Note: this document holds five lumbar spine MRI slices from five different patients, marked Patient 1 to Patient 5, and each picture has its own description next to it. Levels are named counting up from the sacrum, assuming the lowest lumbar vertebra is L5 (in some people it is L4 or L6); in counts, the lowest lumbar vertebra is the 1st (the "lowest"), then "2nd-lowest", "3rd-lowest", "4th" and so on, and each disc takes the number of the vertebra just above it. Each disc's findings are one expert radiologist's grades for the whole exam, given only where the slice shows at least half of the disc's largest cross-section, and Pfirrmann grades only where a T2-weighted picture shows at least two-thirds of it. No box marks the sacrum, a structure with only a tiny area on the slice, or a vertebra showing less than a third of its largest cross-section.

Patient 1 of 5:
MRI lumbar spine (T2 SPACE (3D)), sagittal plane, Slice 57 of 120
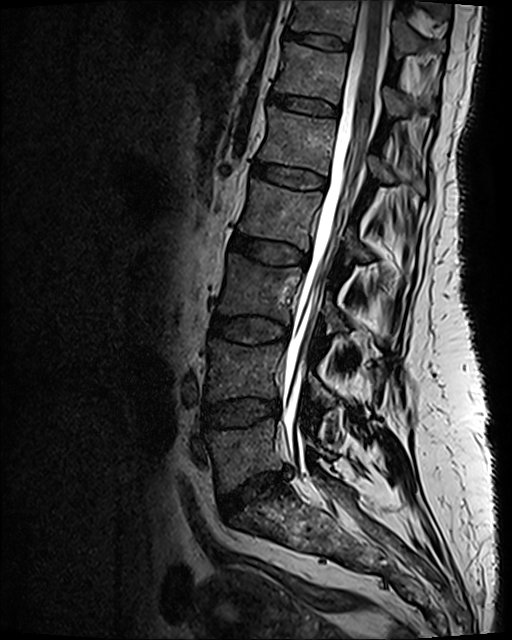

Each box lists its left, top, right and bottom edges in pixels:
intervertebral disc L1/L2: left=253, top=161, right=326, bottom=188 | T11/T12: left=282, top=29, right=348, bottom=51 | L4: left=207, top=340, right=333, bottom=405 | intervertebral disc L4/L5: left=203, top=399, right=280, bottom=427 | T12/L1: left=270, top=93, right=338, bottom=115 | spinal canal: left=282, top=0, right=386, bottom=496 | L5: left=207, top=420, right=331, bottom=491 | L3/L4: left=211, top=316, right=288, bottom=343 | intervertebral disc L5/S1: left=220, top=470, right=287, bottom=517 | L3: left=219, top=254, right=346, bottom=333 | L1: left=258, top=107, right=426, bottom=194 | T12: left=275, top=43, right=405, bottom=114 | L2/L3: left=231, top=234, right=308, bottom=265 | L2: left=240, top=180, right=370, bottom=262 | T11 vertebra: left=291, top=0, right=444, bottom=58

Degenerative findings by level:
- L5/S1: Pfirrmann grade 3, disc herniation, upper-endplate change, lower-endplate change, disc narrowing
- L1/L2: Pfirrmann grade 2
- L2/L3: Pfirrmann grade 3, disc bulging
- T12/L1: Pfirrmann grade 2
- L3/L4: Pfirrmann grade 3
- T11/T12: Pfirrmann grade 2
- L4/L5: Pfirrmann grade 3, disc bulging

Patient 2 of 5:
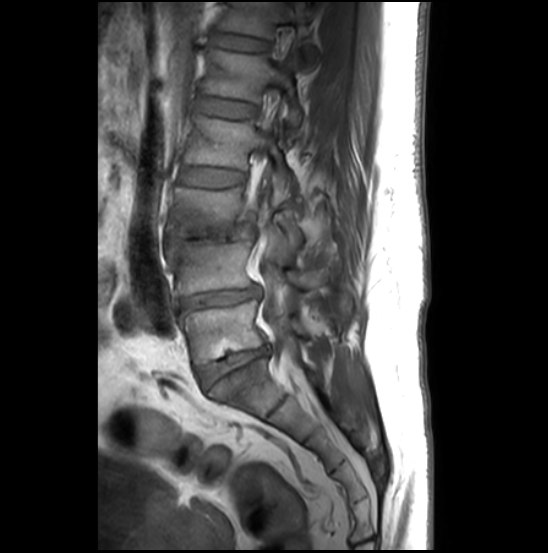 Sagittal T1-weighted lumbar spine MRI. Slice 12/27.
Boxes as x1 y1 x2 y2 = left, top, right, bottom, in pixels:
Segmented structures:
• 4th vertebra: 185 116 295 202
• 5th vertebra: 203 50 303 139
• 6th vertebra: 219 2 320 69
• lowest disc: 198 346 268 388
• lowest vertebra: 181 301 307 364
• 3rd-lowest disc: 166 223 257 249
• 5th disc: 198 97 257 118
• 6th disc: 213 33 270 51
• spinal canal: 258 65 294 355
• 3rd-lowest vertebra: 169 187 304 249
• 2nd-lowest vertebra: 168 239 307 294
• 4th disc: 180 168 244 187
• 2nd-lowest disc: 181 286 260 310

Expert MSK radiologist gradings (per disc):
  2nd-lowest disc: upper-endplate change, disc narrowing, lower-endplate change, disc bulging, Modic type II
  lowest disc: disc narrowing, disc bulging, lower-endplate change, Modic type II, upper-endplate change
  3rd-lowest disc: disc narrowing, spondylolisthesis, disc herniation, upper-endplate change, lower-endplate change, Modic type II
  4th disc, 6th disc, 5th disc: no herniation, bulging, narrowing, spondylolisthesis, endplate or Modic change recorded

Patient 3 of 5:
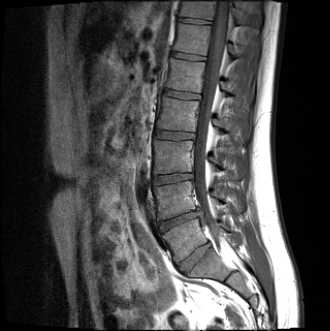

Sagittal slice index 7, 330x331 px, Sagittal T1-weighted lumbar spine MRI, Field of view 300x301 mm

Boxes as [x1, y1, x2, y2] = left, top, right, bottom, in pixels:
L1 = [165, 58, 228, 92] | disc L1/L2 = [163, 89, 198, 98] | T12 = [173, 23, 236, 55] | disc L4/L5 = [159, 208, 201, 231] | L5 = [163, 219, 230, 263] | disc T12/L1 = [171, 52, 203, 60] | disc L3/L4 = [154, 174, 191, 184] | spinal canal = [194, 0, 229, 246] | T11 = [179, 1, 243, 23] | L4 vertebra = [154, 181, 242, 219] | L2 = [157, 97, 228, 131] | L3 vertebra = [153, 140, 240, 179] | disc L5/S1 = [179, 243, 210, 272] | T11/T12 = [178, 18, 210, 24] | L2/L3 = [155, 130, 193, 139]

Radiological gradings:
• L4/L5: disc narrowing, Modic type II, disc herniation, upper-endplate change, lower-endplate change
• L5/S1: disc bulging
• L2/L3, T12/L1, L3/L4, T11/T12, L1/L2: no herniation, bulging, narrowing, spondylolisthesis, endplate or Modic change recorded

Patient 4 of 5:
Image 448x451. Lumbar spine MR, T1-weighted, sagittal. Sagittal slice index 6.
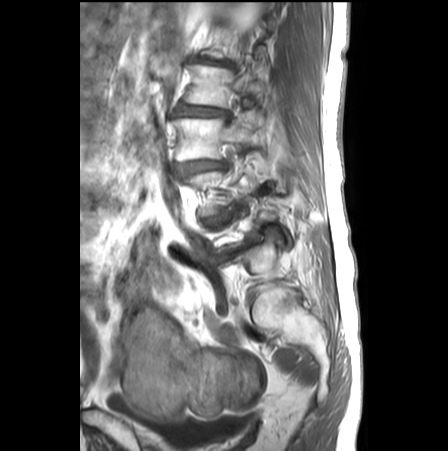 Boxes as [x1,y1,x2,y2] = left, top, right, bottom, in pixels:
L4/L5 at [203,213,228,226], L3/L4 at [177,162,225,174], L3 at [172,112,265,161], L5/S1 at [219,242,248,261], L2/L3 at [175,104,230,117], L2 at [184,64,264,107], L1/L2 at [196,57,235,69].

Per-level radiological findings:
- L2/L3: lower-endplate change, upper-endplate change, Modic type II, disc bulging, spondylolisthesis, disc narrowing
- L1/L2: disc bulging, lower-endplate change, disc narrowing
- L3/L4: upper-endplate change, disc narrowing, disc bulging, lower-endplate change, Modic type II, spondylolisthesis

Patient 5 of 5:
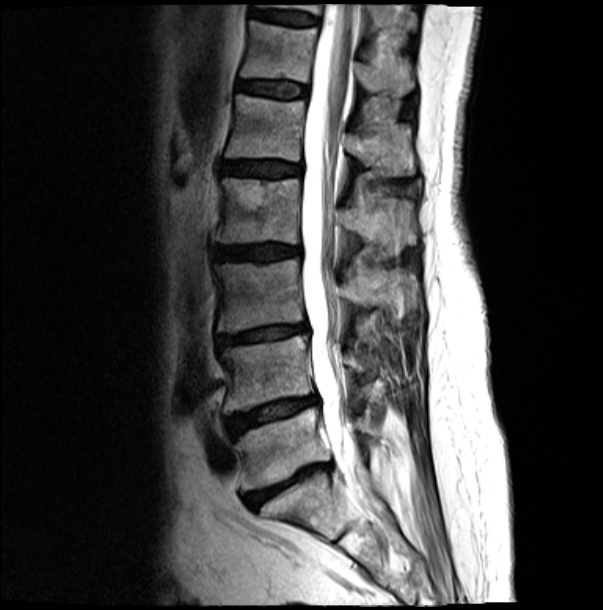 Field of view 260x263 mm, slice spacing 4.8 mm | T2-weighted sagittal MRI of the lumbar spine
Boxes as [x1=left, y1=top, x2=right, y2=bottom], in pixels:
2nd-lowest disc: [x1=226, y1=396, x2=316, y2=435]
5th disc: [x1=223, y1=161, x2=300, y2=177]
6th disc: [x1=239, y1=80, x2=305, y2=98]
7th vertebra: [x1=259, y1=4, x2=415, y2=29]
lowest disc: [x1=246, y1=464, x2=330, y2=506]
7th disc: [x1=251, y1=10, x2=316, y2=25]
3rd-lowest disc: [x1=217, y1=325, x2=307, y2=345]
lowest vertebra: [x1=234, y1=409, x2=377, y2=490]
4th vertebra: [x1=215, y1=178, x2=410, y2=246]
4th disc: [x1=215, y1=244, x2=299, y2=260]
2nd-lowest vertebra: [x1=221, y1=336, x2=380, y2=412]
thecal sac / spinal canal: [x1=300, y1=3, x2=361, y2=486]
5th vertebra: [x1=226, y1=94, x2=413, y2=176]
3rd-lowest vertebra: [x1=215, y1=260, x2=413, y2=332]
6th vertebra: [x1=240, y1=21, x2=413, y2=95]

Radiological gradings:
- 7th disc: Pfirrmann grade 3, Modic type II
- 5th disc: Pfirrmann grade 4, Modic type II, lower-endplate change, upper-endplate change, disc bulging
- lowest disc: Pfirrmann grade 5, disc bulging, Modic type II, lower-endplate change, disc narrowing, upper-endplate change
- 6th disc: Pfirrmann grade 3, lower-endplate change, upper-endplate change, Modic type II
- 3rd-lowest disc: Pfirrmann grade 4, disc narrowing, Modic type II, upper-endplate change, lower-endplate change, disc bulging
- 4th disc: Pfirrmann grade 4, upper-endplate change, disc bulging, lower-endplate change, Modic type II
- 2nd-lowest disc: Pfirrmann grade 4, disc narrowing, Modic type II, disc bulging, upper-endplate change, lower-endplate change